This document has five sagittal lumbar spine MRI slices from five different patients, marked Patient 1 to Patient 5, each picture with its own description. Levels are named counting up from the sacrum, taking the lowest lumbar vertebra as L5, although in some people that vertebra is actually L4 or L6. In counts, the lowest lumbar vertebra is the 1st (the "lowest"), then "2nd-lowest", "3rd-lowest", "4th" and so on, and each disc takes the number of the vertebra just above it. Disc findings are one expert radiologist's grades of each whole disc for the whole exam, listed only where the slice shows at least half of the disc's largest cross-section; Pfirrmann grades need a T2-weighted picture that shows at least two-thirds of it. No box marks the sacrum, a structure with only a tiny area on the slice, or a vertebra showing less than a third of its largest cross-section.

Patient 1 of 5:
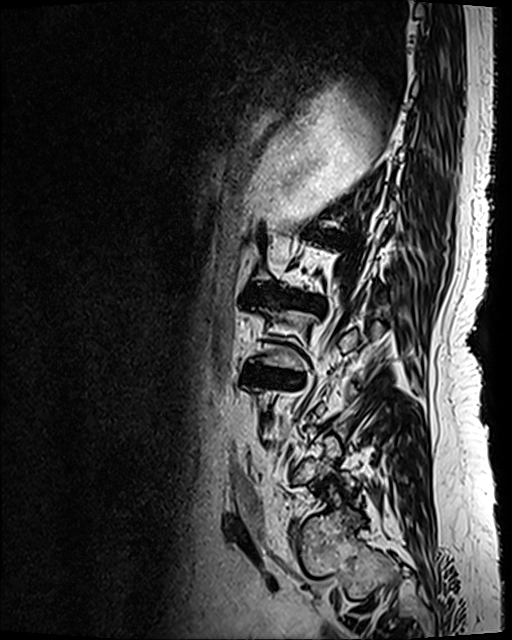 MRI lumbar spine (T2 SPACE (3D)), sagittal plane; Image 512x640
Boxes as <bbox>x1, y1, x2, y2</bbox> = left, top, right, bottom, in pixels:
4th disc at <bbox>262, 292, 325, 313</bbox>, 3rd-lowest disc at <bbox>244, 365, 301, 385</bbox>.

Radiological gradings:
- 3rd-lowest disc: Pfirrmann grade 5, upper-endplate change, disc bulging, Modic type II, lower-endplate change, disc narrowing
- 4th disc: Pfirrmann grade 5, disc bulging, disc narrowing, upper-endplate change, lower-endplate change, Modic type II

Patient 2 of 5:
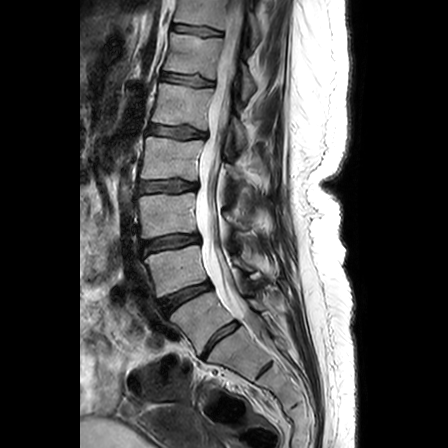

Lumbar spine MR, T2-weighted, sagittal | Field of view 280x280 mm

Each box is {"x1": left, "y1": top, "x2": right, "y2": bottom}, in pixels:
L1/L2 = {"x1": 149, "y1": 125, "x2": 204, "y2": 138} | intervertebral disc T11/T12 = {"x1": 172, "y1": 24, "x2": 222, "y2": 36} | L2 vertebra = {"x1": 140, "y1": 137, "x2": 243, "y2": 180} | L5/S1 = {"x1": 203, "y1": 321, "x2": 238, "y2": 357} | L2/L3 = {"x1": 140, "y1": 180, "x2": 196, "y2": 192} | L4 = {"x1": 145, "y1": 245, "x2": 253, "y2": 296} | L3/L4 = {"x1": 141, "y1": 235, "x2": 199, "y2": 251} | spinal canal = {"x1": 196, "y1": 0, "x2": 258, "y2": 331} | T12 vertebra = {"x1": 164, "y1": 32, "x2": 254, "y2": 99} | L1 vertebra = {"x1": 152, "y1": 83, "x2": 246, "y2": 146} | L3 = {"x1": 138, "y1": 193, "x2": 273, "y2": 238} | T11 vertebra = {"x1": 174, "y1": 0, "x2": 260, "y2": 50} | intervertebral disc T12/L1 = {"x1": 162, "y1": 73, "x2": 213, "y2": 85} | intervertebral disc L4/L5 = {"x1": 161, "y1": 282, "x2": 210, "y2": 313} | L5 vertebra = {"x1": 170, "y1": 292, "x2": 265, "y2": 353}

Per-level radiological findings:
• L3/L4: Pfirrmann grade 3, upper-endplate change, disc bulging, lower-endplate change
• T11/T12: Pfirrmann grade 2, lower-endplate change, upper-endplate change
• L4/L5: Pfirrmann grade 4, disc bulging, disc narrowing
• T12/L1: Pfirrmann grade 2, upper-endplate change, lower-endplate change
• L2/L3: Pfirrmann grade 3, upper-endplate change, disc bulging, lower-endplate change
• L5/S1: Pfirrmann grade 3
• L1/L2: Pfirrmann grade 3, upper-endplate change, lower-endplate change, disc bulging

Patient 3 of 5:
MRI lumbar spine (T2-weighted), sagittal plane | Image 512x512 | Slice 5/17

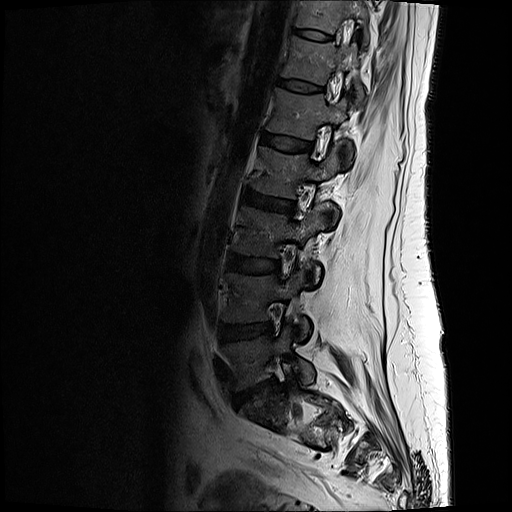 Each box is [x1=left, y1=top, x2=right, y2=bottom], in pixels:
T11: [x1=292, y1=0, x2=368, y2=47]
L3/L4: [x1=227, y1=254, x2=279, y2=273]
T12: [x1=280, y1=35, x2=363, y2=102]
IVD L1/L2: [x1=260, y1=133, x2=313, y2=151]
L4 vertebra: [x1=223, y1=270, x2=309, y2=338]
L2/L3: [x1=242, y1=189, x2=294, y2=211]
IVD L4/L5: [x1=221, y1=322, x2=273, y2=341]
L1: [x1=266, y1=86, x2=352, y2=163]
T12/L1: [x1=275, y1=77, x2=321, y2=91]
L2 vertebra: [x1=250, y1=146, x2=338, y2=221]
L3 vertebra: [x1=233, y1=206, x2=323, y2=281]
L5 vertebra: [x1=222, y1=326, x2=314, y2=389]
T11/T12: [x1=293, y1=29, x2=332, y2=41]
L5/S1: [x1=234, y1=380, x2=273, y2=406]

Expert MSK radiologist gradings (per disc):
  L2/L3: disc bulging
  T12/L1: Pfirrmann grade 2
  L4/L5: disc bulging
  L1/L2: Pfirrmann grade 2
  T11/T12, L3/L4: no herniation, bulging, narrowing, spondylolisthesis, endplate or Modic change recorded

Patient 4 of 5:
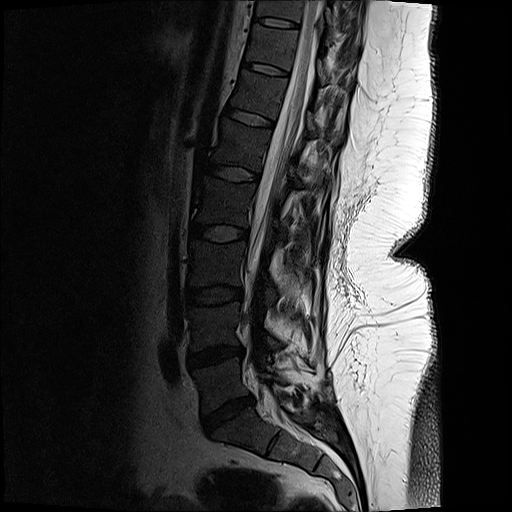
Slice 10 of 17 | Sagittal T2-weighted lumbar spine MRI

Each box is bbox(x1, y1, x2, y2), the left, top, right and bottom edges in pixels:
IVD L1/L2 (5th disc) — bbox(195, 161, 260, 183).
Spinal canal — bbox(247, 0, 324, 308).
L1 (5th vertebra) — bbox(214, 118, 302, 190).
T11 (7th vertebra) — bbox(248, 25, 326, 84).
L2 (4th vertebra) — bbox(193, 176, 286, 241).
L5 (lowest vertebra) — bbox(192, 360, 280, 411).
T10 (8th vertebra) — bbox(256, 0, 333, 33).
L2/L3 (4th disc) — bbox(190, 222, 249, 242).
T12 (6th vertebra) — bbox(233, 70, 345, 145).
T10/T11 (8th disc) — bbox(254, 16, 299, 29).
L3/L4 (3rd-lowest disc) — bbox(186, 286, 240, 307).
L3 (3rd-lowest vertebra) — bbox(189, 241, 276, 306).
IVD T12/L1 (6th disc) — bbox(223, 104, 274, 129).
T11/T12 (7th disc) — bbox(244, 62, 290, 77).
L4 (2nd-lowest vertebra) — bbox(189, 303, 277, 350).
IVD L5/S1 (lowest disc) — bbox(200, 394, 250, 429).
IVD L4/L5 (2nd-lowest disc) — bbox(185, 346, 242, 369).

Degenerative findings by level:
- L2/L3 (4th disc): Pfirrmann grade 1
- L5/S1 (lowest disc): Pfirrmann grade 4, disc bulging, disc narrowing
- T11/T12 (7th disc): Pfirrmann grade 1
- T12/L1 (6th disc): Pfirrmann grade 1
- L1/L2 (5th disc): Pfirrmann grade 1
- L4/L5 (2nd-lowest disc): Pfirrmann grade 3, disc narrowing, disc bulging
- T10/T11 (8th disc): Pfirrmann grade 1
- L3/L4 (3rd-lowest disc): Pfirrmann grade 1

Patient 5 of 5:
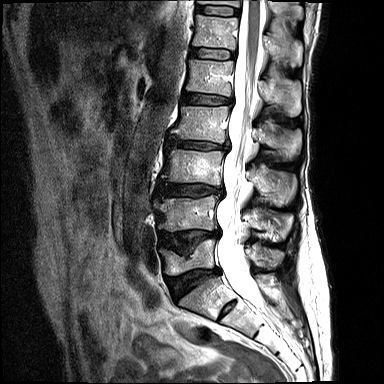 T2-weighted sagittal MRI of the lumbar spine; Slice 9 of 17; Sex M
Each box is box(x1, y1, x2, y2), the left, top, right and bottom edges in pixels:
L3 vertebra at box(161, 149, 294, 206); L1 at box(186, 59, 301, 116); IVD L4/L5 at box(160, 230, 219, 254); L2/L3 at box(168, 138, 228, 150); L3/L4 at box(156, 183, 223, 196); L2 at box(171, 106, 301, 156); L4 vertebra at box(154, 195, 292, 237); L5 vertebra at box(159, 239, 283, 275); IVD T12/L1 at box(190, 48, 235, 59); spinal canal at box(215, 0, 266, 313); T12 vertebra at box(192, 14, 302, 66); T11 vertebra at box(197, 0, 303, 19); IVD L5/S1 at box(165, 267, 220, 300); IVD T11/T12 at box(196, 5, 239, 16); L1/L2 at box(182, 92, 233, 104).

Per-level radiological findings:
• L3/L4: Pfirrmann grade 3, disc bulging, upper-endplate change, lower-endplate change
• L5/S1: Pfirrmann grade 4, disc bulging, upper-endplate change, disc narrowing, lower-endplate change
• T12/L1: Pfirrmann grade 2, lower-endplate change, upper-endplate change
• L2/L3: Pfirrmann grade 3, upper-endplate change, lower-endplate change, disc bulging, disc narrowing
• L1/L2: Pfirrmann grade 3, disc bulging, upper-endplate change, lower-endplate change
• L4/L5: Pfirrmann grade 4, lower-endplate change, upper-endplate change, disc bulging
• T11/T12: Pfirrmann grade 2